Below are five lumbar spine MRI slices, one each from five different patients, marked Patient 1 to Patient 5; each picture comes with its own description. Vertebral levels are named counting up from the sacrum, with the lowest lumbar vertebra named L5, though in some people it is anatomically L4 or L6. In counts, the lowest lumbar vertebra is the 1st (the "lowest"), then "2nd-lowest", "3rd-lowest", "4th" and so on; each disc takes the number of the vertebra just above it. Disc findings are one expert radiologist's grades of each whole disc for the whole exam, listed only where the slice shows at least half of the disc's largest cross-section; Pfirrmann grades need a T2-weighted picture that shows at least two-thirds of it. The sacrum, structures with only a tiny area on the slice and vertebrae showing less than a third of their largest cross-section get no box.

Patient 1 of 5:
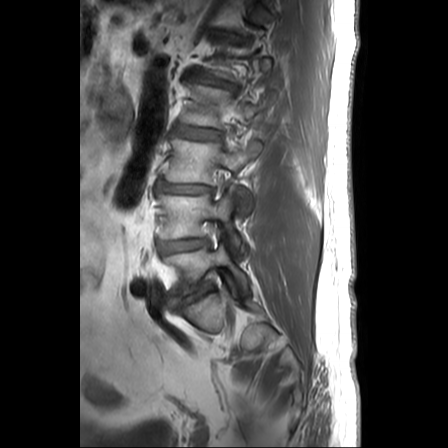
Slice spacing 3.3 mm; T1-weighted sagittal MRI of the lumbar spine
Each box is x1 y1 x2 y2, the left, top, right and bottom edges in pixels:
{"L3": "164 138 261 213", "L4 vertebra": "157 187 243 253", "L5 vertebra": "163 243 249 294", "IVD L1/L2": "190 74 233 89", "IVD L2/L3": "172 126 221 139", "L3/L4": "156 181 211 193", "IVD L4/L5": "157 238 207 254", "L2": "181 85 266 128", "L5/S1": "170 281 212 310"}

Radiological gradings:
  L1/L2: disc narrowing, disc bulging
  L4/L5: disc bulging
  L5/S1: disc narrowing, disc bulging
  L3/L4: disc herniation, disc narrowing
  L2/L3: no Modic or endplate change, herniation, narrowing, bulging or spondylolisthesis recorded

Patient 2 of 5:
Sagittal T2 SPACE (3D) lumbar spine MRI
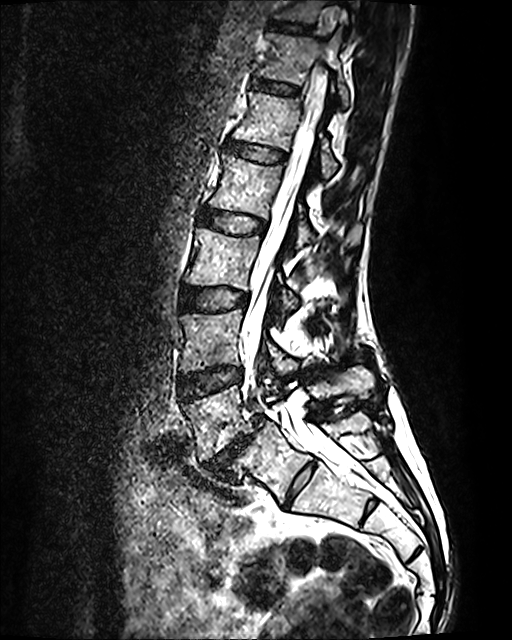
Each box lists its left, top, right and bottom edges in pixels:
L5/S1 at left=203, top=416, right=265, bottom=475; L2 at left=210, top=155, right=360, bottom=247; L3 at left=186, top=228, right=295, bottom=320; L4 vertebra at left=180, top=308, right=295, bottom=378; L5 at left=184, top=369, right=374, bottom=460; T12 at left=260, top=32, right=350, bottom=110; spinal canal at left=241, top=96, right=350, bottom=469; L1 at left=234, top=92, right=337, bottom=182; L2/L3 at left=201, top=209, right=265, bottom=233; T12/L1 at left=253, top=79, right=298, bottom=94; intervertebral disc L1/L2 at left=230, top=142, right=284, bottom=161; intervertebral disc T11/T12 at left=271, top=21, right=310, bottom=33; T11 vertebra at left=276, top=0, right=352, bottom=22; intervertebral disc L4/L5 at left=179, top=367, right=241, bottom=400; intervertebral disc L3/L4 at left=180, top=288, right=247, bottom=310.

Expert MSK radiologist gradings (per disc):
• L1/L2: Pfirrmann grade 2
• T12/L1: Pfirrmann grade 2
• L3/L4: Pfirrmann grade 2
• L4/L5: Pfirrmann grade 2
• L5/S1: Pfirrmann grade 5, disc bulging, spondylolisthesis, disc narrowing, Modic type II
• L2/L3: Pfirrmann grade 2
• T11/T12: no herniation, bulging, narrowing, spondylolisthesis, endplate or Modic change recorded

Patient 3 of 5:
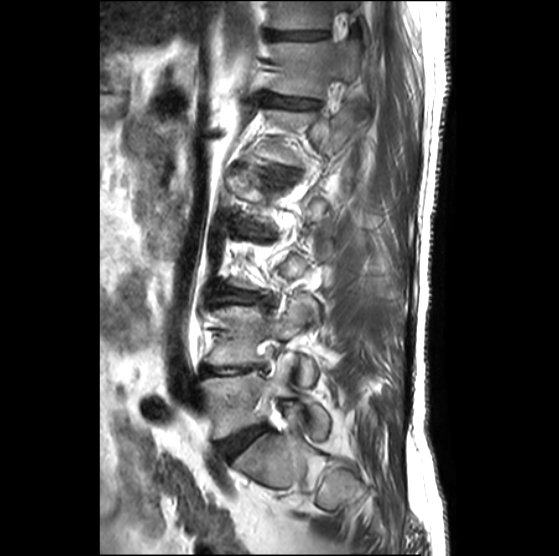
Patient sex: M | MRI lumbar spine (T2-weighted), sagittal plane | Sagittal slice index 7

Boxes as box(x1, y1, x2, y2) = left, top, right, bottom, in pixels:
3rd-lowest disc at box(213, 292, 258, 304); lowest vertebra at box(202, 359, 328, 438); lowest disc at box(217, 426, 265, 456); 2nd-lowest vertebra at box(208, 299, 317, 385); 2nd-lowest disc at box(203, 367, 254, 373); 6th disc at box(269, 96, 318, 108); 7th vertebra at box(271, 1, 339, 29); 6th vertebra at box(272, 41, 360, 97); 7th disc at box(268, 31, 325, 39).

Degenerative findings by level:
- 7th disc: disc narrowing
- 6th disc: disc narrowing
- 2nd-lowest disc: disc narrowing, lower-endplate change, Modic type II, upper-endplate change

Patient 4 of 5:
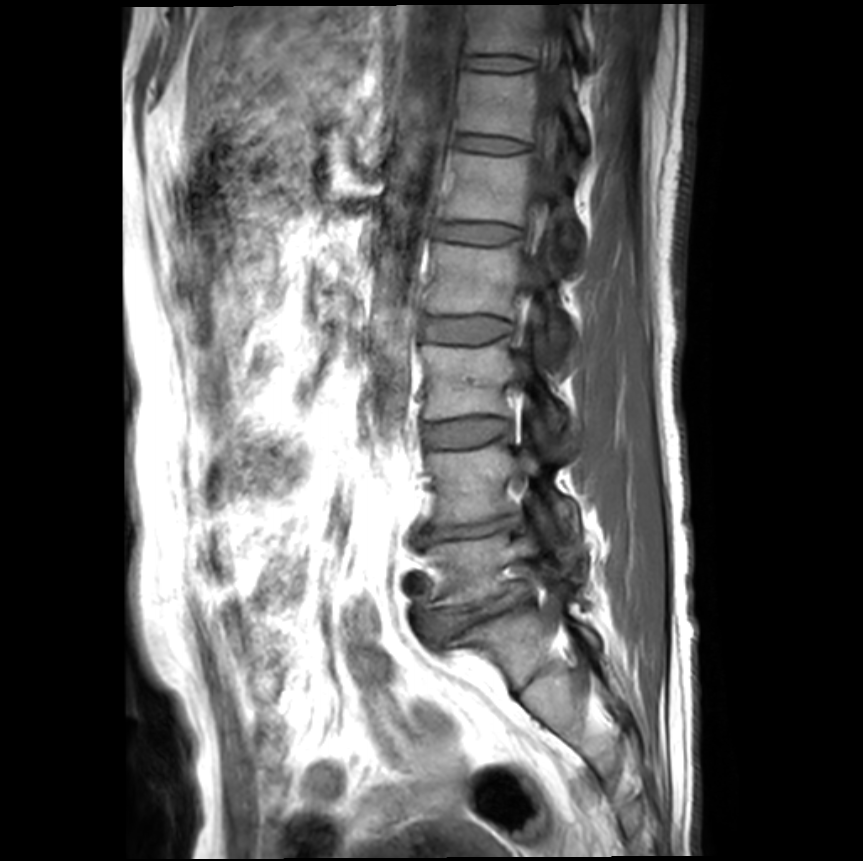 Sex M, Slice spacing 4.4 mm, Sagittal slice index 13, MRI lumbar spine (T1-weighted), sagittal plane

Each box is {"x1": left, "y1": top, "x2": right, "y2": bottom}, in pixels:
L2 (4th vertebra) — {"x1": 425, "y1": 241, "x2": 573, "y2": 361}.
Spinal canal — {"x1": 522, "y1": 4, "x2": 572, "y2": 289}.
IVD L2/L3 (4th disc) — {"x1": 423, "y1": 316, "x2": 511, "y2": 342}.
T12 (6th vertebra) — {"x1": 460, "y1": 70, "x2": 587, "y2": 142}.
IVD T12/L1 (6th disc) — {"x1": 459, "y1": 134, "x2": 526, "y2": 152}.
L3 (3rd-lowest vertebra) — {"x1": 422, "y1": 338, "x2": 565, "y2": 434}.
IVD T11/T12 (7th disc) — {"x1": 467, "y1": 55, "x2": 535, "y2": 70}.
L4 (2nd-lowest vertebra) — {"x1": 425, "y1": 442, "x2": 578, "y2": 529}.
L3/L4 (3rd-lowest disc) — {"x1": 422, "y1": 418, "x2": 510, "y2": 446}.
L5 (lowest vertebra) — {"x1": 425, "y1": 525, "x2": 552, "y2": 608}.
T11 (7th vertebra) — {"x1": 467, "y1": 4, "x2": 594, "y2": 65}.
L1 (5th vertebra) — {"x1": 445, "y1": 151, "x2": 580, "y2": 250}.
IVD L4/L5 (2nd-lowest disc) — {"x1": 417, "y1": 515, "x2": 521, "y2": 544}.
IVD L5/S1 (lowest disc) — {"x1": 420, "y1": 585, "x2": 528, "y2": 639}.
L1/L2 (5th disc) — {"x1": 438, "y1": 223, "x2": 520, "y2": 242}.

Expert MSK radiologist gradings (per disc):
• L4/L5 (2nd-lowest disc): Modic type II, disc bulging, disc narrowing, lower-endplate change, upper-endplate change
• L5/S1 (lowest disc): disc bulging, upper-endplate change, lower-endplate change, disc narrowing, spondylolisthesis
• T12/L1 (6th disc), L2/L3 (4th disc), T11/T12 (7th disc), L1/L2 (5th disc), L3/L4 (3rd-lowest disc): no Modic or endplate change, herniation, narrowing, bulging or spondylolisthesis recorded

Patient 5 of 5:
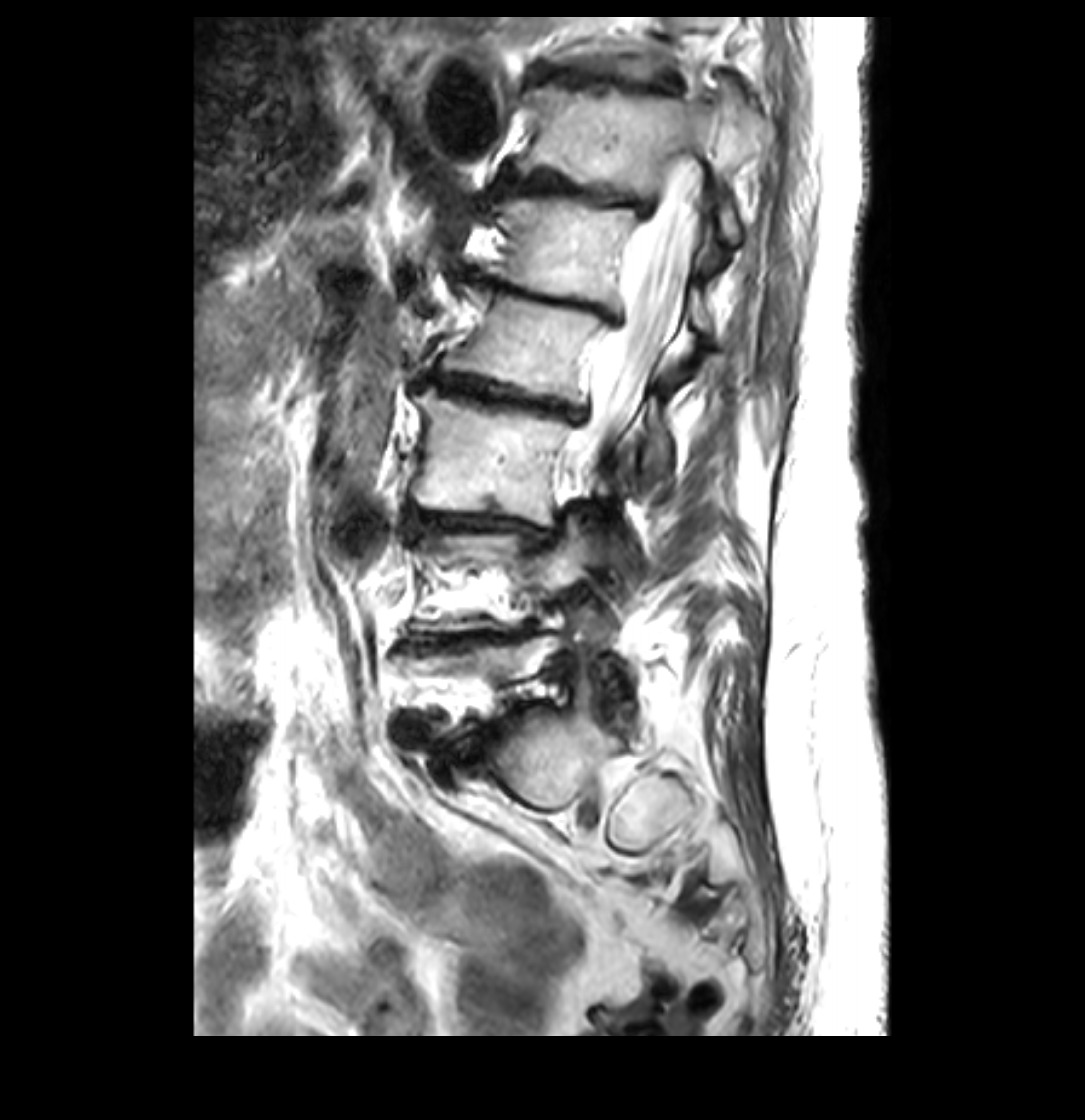 Lumbar spine MR, T2-weighted, sagittal, Image 1085x1120, Patient sex: F, Sagittal slice index 24

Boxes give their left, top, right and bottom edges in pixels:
5th disc: left=467, top=266, right=617, bottom=322
lowest disc: left=470, top=718, right=516, bottom=751
3rd-lowest vertebra: left=412, top=388, right=608, bottom=525
5th vertebra: left=492, top=197, right=721, bottom=332
7th disc: left=533, top=61, right=685, bottom=99
spinal canal: left=562, top=141, right=709, bottom=485
2nd-lowest disc: left=412, top=625, right=532, bottom=648
3rd-lowest disc: left=407, top=509, right=549, bottom=539
4th disc: left=436, top=371, right=588, bottom=423
6th vertebra: left=516, top=76, right=763, bottom=241
6th disc: left=499, top=175, right=654, bottom=216
4th vertebra: left=443, top=290, right=666, bottom=463

Per-level radiological findings:
  6th disc: disc bulging, upper-endplate change, lower-endplate change, disc narrowing, Modic type II
  3rd-lowest disc: Pfirrmann grade 5, disc narrowing, lower-endplate change, Modic type II, disc bulging, upper-endplate change
  7th disc: Pfirrmann grade 5, lower-endplate change, Modic type II, upper-endplate change, disc bulging, disc narrowing